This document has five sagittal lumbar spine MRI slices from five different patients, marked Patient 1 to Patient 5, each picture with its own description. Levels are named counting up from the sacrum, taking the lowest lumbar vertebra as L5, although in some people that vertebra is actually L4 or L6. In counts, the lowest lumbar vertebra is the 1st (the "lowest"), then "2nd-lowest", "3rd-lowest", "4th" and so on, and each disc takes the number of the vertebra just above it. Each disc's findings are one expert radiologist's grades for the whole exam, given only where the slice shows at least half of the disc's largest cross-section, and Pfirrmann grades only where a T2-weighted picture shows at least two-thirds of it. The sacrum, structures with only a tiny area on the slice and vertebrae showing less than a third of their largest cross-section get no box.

Patient 1 of 5:
Sagittal T2-weighted lumbar spine MRI; Field of view 280x283 mm, slice spacing 3.3 mm; Slice 18/27
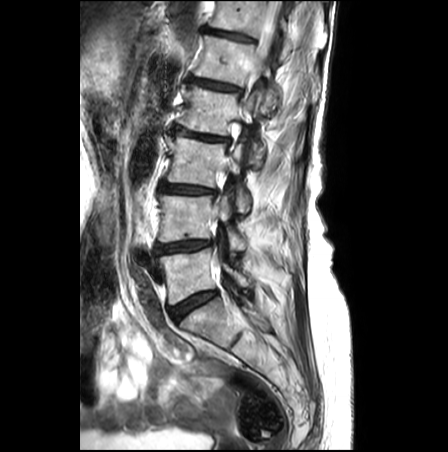
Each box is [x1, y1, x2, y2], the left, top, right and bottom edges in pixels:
- spinal canal at [220, 1, 280, 253]
- L1/L2 at [191, 77, 241, 91]
- T12 vertebra at [210, 1, 327, 59]
- IVD L5/S1 at [168, 291, 217, 321]
- L1 at [194, 35, 318, 115]
- T12/L1 at [206, 27, 253, 40]
- L4 vertebra at [158, 184, 247, 256]
- L2 at [176, 85, 265, 168]
- L4/L5 at [155, 240, 211, 253]
- L5 vertebra at [159, 248, 253, 304]
- L3/L4 at [160, 183, 215, 194]
- L3 vertebra at [167, 133, 250, 212]
- L2/L3 at [174, 126, 228, 141]

Expert MSK radiologist gradings (per disc):
- L1/L2: Pfirrmann grade 3, lower-endplate change, upper-endplate change, disc bulging
- L3/L4: Pfirrmann grade 3, upper-endplate change, Modic type II, lower-endplate change, disc bulging, disc narrowing
- L5/S1: Pfirrmann grade 3
- L4/L5: Pfirrmann grade 3, disc bulging, Modic type II, lower-endplate change, disc narrowing, upper-endplate change
- T12/L1: Pfirrmann grade 3, lower-endplate change, upper-endplate change
- L2/L3: disc bulging, Modic type II, lower-endplate change, upper-endplate change, disc narrowing

Patient 2 of 5:
Sagittal T2-weighted lumbar spine MRI | Field of view 280x280 mm 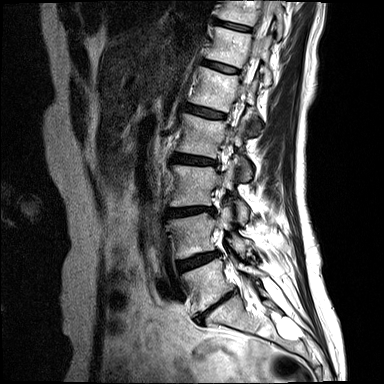 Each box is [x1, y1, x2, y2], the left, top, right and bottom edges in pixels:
{"intervertebral disc L5/S1 (lowest disc)": "[198, 291, 236, 320]", "T12 (6th vertebra)": "[208, 27, 272, 85]", "L3/L4 (3rd-lowest disc)": "[168, 207, 214, 216]", "L2 (4th vertebra)": "[177, 113, 251, 181]", "L3 (3rd-lowest vertebra)": "[169, 162, 248, 225]", "L4/L5 (2nd-lowest disc)": "[178, 252, 217, 272]", "T12/L1 (6th disc)": "[206, 61, 237, 73]", "intervertebral disc L1/L2 (5th disc)": "[186, 104, 225, 118]", "T11 (7th vertebra)": "[219, 0, 283, 39]", "L1 (5th vertebra)": "[191, 67, 260, 136]", "T11/T12 (7th disc)": "[216, 20, 250, 30]", "L4 (2nd-lowest vertebra)": "[168, 206, 252, 258]", "intervertebral disc L2/L3 (4th disc)": "[173, 154, 215, 164]", "L5 (lowest vertebra)": "[182, 254, 265, 314]"}

Radiological gradings:
• T12/L1 (6th disc): Pfirrmann grade 2
• L4/L5 (2nd-lowest disc): Pfirrmann grade 4, disc bulging, Modic type II
• L2/L3 (4th disc): Pfirrmann grade 3, disc bulging, upper-endplate change, Modic type II
• L1/L2 (5th disc): Pfirrmann grade 2, Modic type II
• L3/L4 (3rd-lowest disc): Pfirrmann grade 4, Modic type II, disc bulging, disc narrowing
• L5/S1 (lowest disc): Pfirrmann grade 5, disc bulging, upper-endplate change, lower-endplate change, disc narrowing, Modic type II
• T11/T12 (7th disc): Pfirrmann grade 2

Patient 3 of 5:
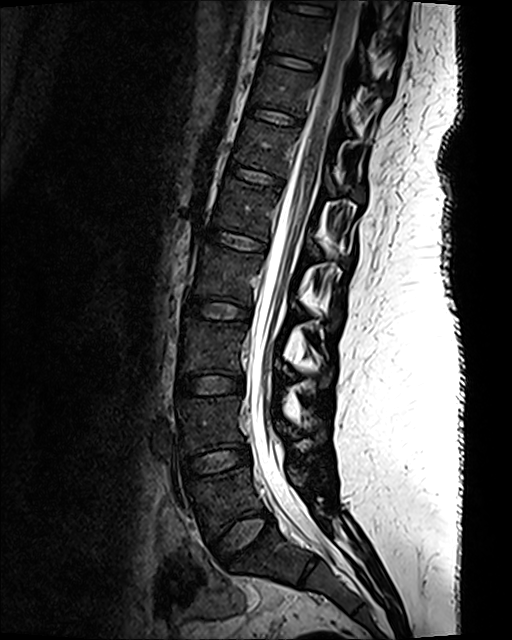 T2 SPACE (3D) sagittal MRI of the lumbar spine, Slice 57 of 120
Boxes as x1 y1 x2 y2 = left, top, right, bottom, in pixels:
T10/T11: 264 51 318 69 | intervertebral disc T11/T12: 246 106 301 126 | L4/L5: 182 445 250 478 | T10 vertebra: 269 11 386 76 | intervertebral disc T12/L1: 228 165 282 185 | T12: 233 120 364 202 | L2/L3: 186 298 250 319 | L5/S1: 212 510 274 563 | L3 vertebra: 180 317 331 386 | L4 vertebra: 177 396 324 453 | L1: 212 179 320 258 | thecal sac / spinal canal: 246 0 361 556 | T11: 252 64 348 133 | L5 vertebra: 187 465 331 535 | L3/L4: 177 375 244 396 | L1/L2: 206 229 266 250 | L2: 191 246 338 329

Per-level radiological findings:
  T12/L1: Pfirrmann grade 1
  L2/L3: Pfirrmann grade 1
  L1/L2: Pfirrmann grade 1
  T10/T11: Pfirrmann grade 1
  L5/S1: Pfirrmann grade 1
  T11/T12: Pfirrmann grade 1
  L4/L5: Pfirrmann grade 1
  L3/L4: Pfirrmann grade 1

Patient 4 of 5:
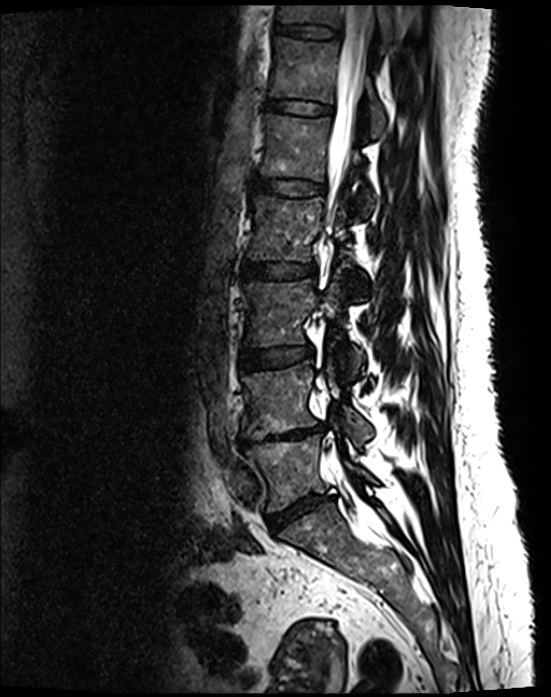 Sagittal T2 SPACE (3D) lumbar spine MRI | Slice 81/130
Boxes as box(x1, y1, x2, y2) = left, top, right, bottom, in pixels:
L2 vertebra — box(245, 195, 365, 291).
L3 — box(241, 280, 362, 376).
T11 vertebra — box(277, 5, 398, 42).
L1/L2 — box(252, 176, 323, 195).
L1 — box(259, 113, 374, 216).
T12 — box(268, 36, 387, 137).
L4 — box(240, 363, 371, 443).
L5 — box(247, 435, 375, 512).
IVD L5/S1 — box(268, 495, 333, 530).
Thecal sac / spinal canal — box(323, 5, 373, 230).
T12/L1 — box(265, 99, 331, 115).
T11/T12 — box(274, 23, 339, 37).
IVD L3/L4 — box(239, 346, 312, 370).
L4/L5 — box(239, 424, 323, 449).
L2/L3 — box(240, 262, 314, 279).

Radiological gradings:
• L3/L4: Pfirrmann grade 2
• T11/T12: Pfirrmann grade 2
• L1/L2: Pfirrmann grade 2
• L2/L3: Pfirrmann grade 2
• L5/S1: Pfirrmann grade 4, disc narrowing, disc bulging
• T12/L1: Pfirrmann grade 2
• L4/L5: Pfirrmann grade 5, disc narrowing, disc bulging, lower-endplate change, upper-endplate change, Modic type II

Patient 5 of 5:
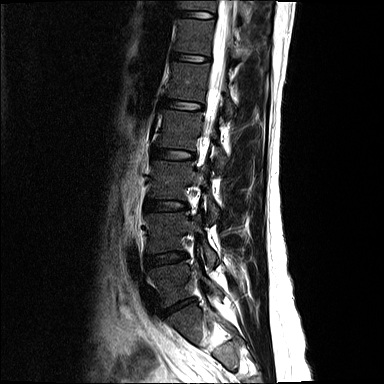 Image 384x384; Field of view 260x260 mm, slice spacing 4.8 mm; Slice 10/15; T2-weighted sagittal MRI of the lumbar spine
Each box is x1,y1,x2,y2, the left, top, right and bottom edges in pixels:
IVD L4/L5: 146,252,186,265
IVD L2/L3: 153,149,193,159
T11: 181,0,246,19
L4: 146,212,217,266
L5 vertebra: 149,262,222,306
L1: 168,62,235,117
L3/L4: 145,199,187,210
T12: 176,19,238,57
thecal sac / spinal canal: 200,0,236,167
L3 vertebra: 150,161,219,220
IVD L5/S1: 163,300,190,315
L2: 159,110,228,168
T12/L1: 173,53,209,61
L1/L2: 164,99,202,109
IVD T11/T12: 180,11,214,18

Degenerative findings by level:
• L2/L3: Pfirrmann grade 2
• T11/T12: Pfirrmann grade 2
• T12/L1: Pfirrmann grade 2
• L3/L4: Pfirrmann grade 2
• L4/L5: Pfirrmann grade 2, disc bulging
• L1/L2: Pfirrmann grade 2